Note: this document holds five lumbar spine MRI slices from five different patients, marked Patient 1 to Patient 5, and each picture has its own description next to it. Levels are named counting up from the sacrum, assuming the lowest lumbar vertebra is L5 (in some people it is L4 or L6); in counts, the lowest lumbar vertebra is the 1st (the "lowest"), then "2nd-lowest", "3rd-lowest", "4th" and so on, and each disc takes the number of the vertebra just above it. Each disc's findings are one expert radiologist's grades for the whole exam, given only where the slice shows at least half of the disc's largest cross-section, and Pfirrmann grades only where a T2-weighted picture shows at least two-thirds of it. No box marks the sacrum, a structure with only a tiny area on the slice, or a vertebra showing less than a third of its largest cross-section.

Patient 1 of 5:
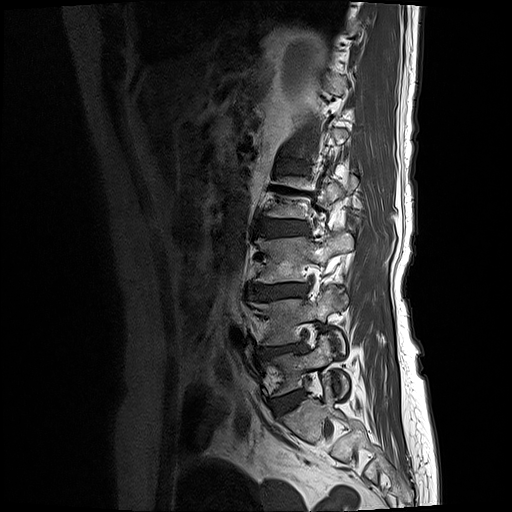 MRI lumbar spine (T1-weighted), sagittal plane
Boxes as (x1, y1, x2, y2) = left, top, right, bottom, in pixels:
L3 vertebra at (255, 230, 354, 282), L2/L3 at (259, 218, 309, 234), IVD L3/L4 at (247, 283, 308, 299), L1/L2 at (280, 160, 309, 173), L2 vertebra at (263, 175, 358, 219), IVD L4/L5 at (258, 343, 307, 358), L5 at (264, 334, 350, 396), IVD L5/S1 at (273, 391, 305, 415), L4 vertebra at (247, 285, 346, 357).

Degenerative findings by level:
- L3/L4: upper-endplate change, Modic type II, disc bulging, disc narrowing, lower-endplate change
- L2/L3: Modic type II, lower-endplate change, disc bulging, upper-endplate change

Patient 2 of 5:
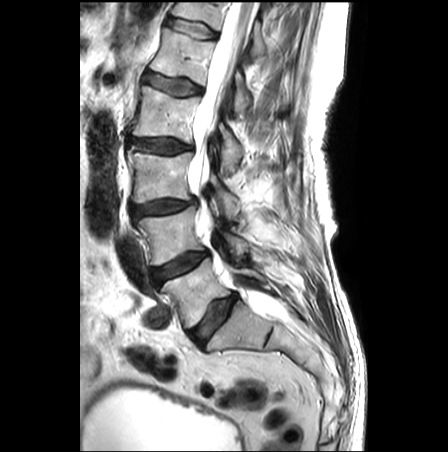

Patient sex: M. Slice spacing 3.3 mm. 448x452 px. Sagittal T2-weighted lumbar spine MRI.

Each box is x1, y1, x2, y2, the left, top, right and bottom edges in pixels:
6th disc: 166, 18, 216, 38 | thecal sac / spinal canal: 189, 2, 271, 313 | 2nd-lowest disc: 153, 252, 208, 285 | 4th vertebra: 133, 86, 242, 171 | 6th vertebra: 172, 2, 266, 56 | 4th disc: 127, 138, 194, 154 | 3rd-lowest vertebra: 128, 146, 241, 217 | 2nd-lowest vertebra: 136, 207, 247, 265 | 5th vertebra: 150, 28, 250, 110 | lowest disc: 191, 294, 237, 345 | 3rd-lowest disc: 132, 198, 197, 217 | 5th disc: 143, 70, 201, 95 | lowest vertebra: 163, 240, 266, 326

Radiological gradings:
  3rd-lowest disc: Pfirrmann grade 3, disc narrowing, disc bulging
  6th disc: Pfirrmann grade 1
  4th disc: Pfirrmann grade 3, disc bulging
  5th disc: Pfirrmann grade 2, lower-endplate change, disc bulging, upper-endplate change, Modic type II
  2nd-lowest disc: Pfirrmann grade 3, disc bulging
  lowest disc: Pfirrmann grade 3, disc bulging

Patient 3 of 5:
Scanner: SIEMENS Avanto_fit (1.5T). Sagittal T2-weighted lumbar spine MRI. 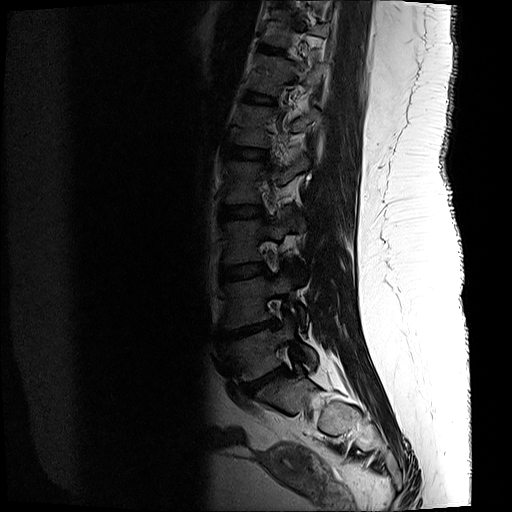 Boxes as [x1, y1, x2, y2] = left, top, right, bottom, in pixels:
T11 at [261, 10, 330, 46], intervertebral disc L5/S1 at [242, 365, 287, 395], L1 vertebra at [233, 104, 319, 148], intervertebral disc T12/L1 at [246, 92, 274, 102], L3 vertebra at [222, 209, 305, 281], intervertebral disc L2/L3 at [219, 206, 263, 217], L5 vertebra at [222, 317, 317, 381], intervertebral disc T11/T12 at [258, 45, 284, 53], L4 vertebra at [221, 271, 307, 328], intervertebral disc L4/L5 at [221, 318, 278, 342], T12 at [250, 53, 326, 95], L2 at [223, 151, 309, 203], L3/L4 at [220, 263, 268, 281], L1/L2 at [225, 146, 267, 158].

Per-level radiological findings:
• L5/S1: Modic type II, lower-endplate change, upper-endplate change, disc narrowing, disc herniation
• L4/L5: Pfirrmann grade 5, disc herniation, Modic type II, upper-endplate change, lower-endplate change, disc narrowing
• L3/L4: Pfirrmann grade 3
• L1/L2: Pfirrmann grade 3, lower-endplate change
• L2/L3: Pfirrmann grade 3, upper-endplate change, lower-endplate change
• T12/L1: no herniation, bulging, narrowing, spondylolisthesis, endplate or Modic change recorded

Patient 4 of 5:
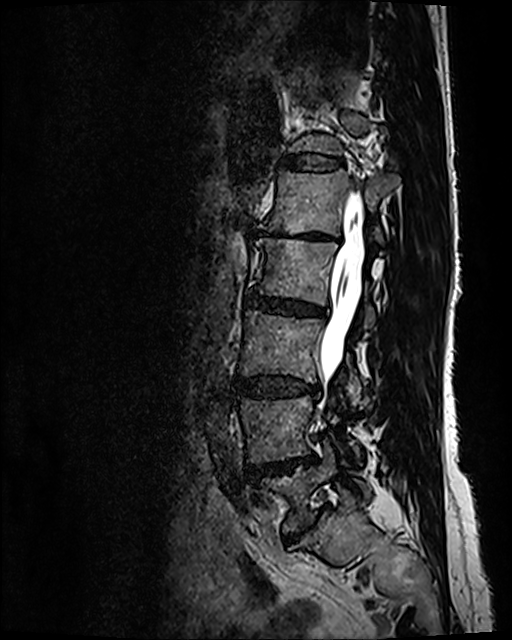 Slice 47 of 120; MRI lumbar spine (T2 SPACE (3D)), sagittal plane
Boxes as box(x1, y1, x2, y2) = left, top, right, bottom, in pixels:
3rd-lowest vertebra at box(239, 311, 361, 405); 5th vertebra at box(260, 169, 398, 245); 4th disc at box(248, 293, 326, 316); 3rd-lowest disc at box(236, 376, 319, 397); lowest vertebra at box(259, 440, 370, 532); 4th vertebra at box(255, 238, 375, 328); 6th disc at box(283, 154, 342, 172); thecal sac / spinal canal at box(320, 193, 363, 370); lowest disc at box(285, 512, 321, 543); 2nd-lowest vertebra at box(239, 396, 360, 463); 5th disc at box(257, 228, 338, 243); 2nd-lowest disc at box(247, 456, 315, 480).

Per-level radiological findings:
- 2nd-lowest disc: disc narrowing, Modic type II, disc bulging
- 3rd-lowest disc: Pfirrmann grade 3, disc bulging
- 4th disc: Pfirrmann grade 3, disc narrowing, disc bulging
- 6th disc: Pfirrmann grade 2
- 5th disc: Pfirrmann grade 5, disc bulging, upper-endplate change, disc narrowing, lower-endplate change, Modic type II

Patient 5 of 5:
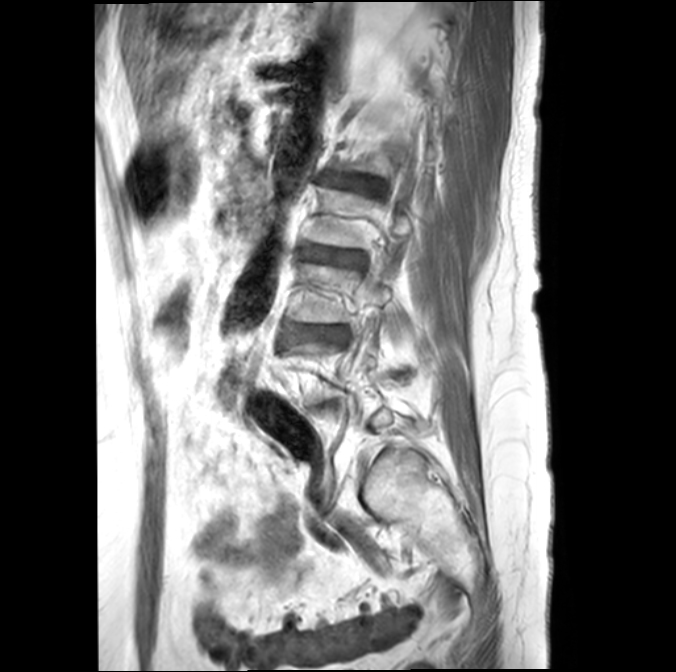 Sagittal slice index 17, 676x672 px, T1-weighted sagittal MRI of the lumbar spine, Sex F

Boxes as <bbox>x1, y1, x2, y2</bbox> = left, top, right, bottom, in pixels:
5th disc: <bbox>326, 174, 381, 189</bbox>
3rd-lowest disc: <bbox>286, 325, 346, 339</bbox>
4th vertebra: <bbox>309, 186, 410, 247</bbox>
3rd-lowest vertebra: <bbox>288, 262, 390, 322</bbox>
4th disc: <bbox>303, 246, 365, 264</bbox>

Degenerative findings by level:
- 4th disc: Modic type II, upper-endplate change
- 5th disc: lower-endplate change, Modic type II